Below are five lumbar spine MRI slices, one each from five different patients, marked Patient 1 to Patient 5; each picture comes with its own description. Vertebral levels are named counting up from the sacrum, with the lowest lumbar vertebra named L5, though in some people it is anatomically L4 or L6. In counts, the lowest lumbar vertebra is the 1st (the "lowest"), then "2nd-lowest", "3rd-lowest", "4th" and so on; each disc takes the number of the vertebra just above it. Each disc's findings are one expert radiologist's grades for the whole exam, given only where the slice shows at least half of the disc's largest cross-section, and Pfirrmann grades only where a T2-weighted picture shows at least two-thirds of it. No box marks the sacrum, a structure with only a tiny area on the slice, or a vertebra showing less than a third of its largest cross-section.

Patient 1 of 5:
Patient sex: F | T1-weighted sagittal MRI of the lumbar spine 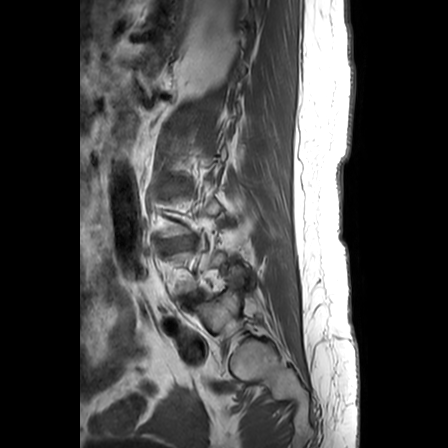

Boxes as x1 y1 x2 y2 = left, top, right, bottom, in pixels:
Structures:
* intervertebral disc L3/L4 (3rd-lowest disc) = 162 238 188 250
* intervertebral disc L4/L5 (2nd-lowest disc) = 186 292 198 299
* L5 (lowest vertebra) = 193 266 242 331

Patient 2 of 5:
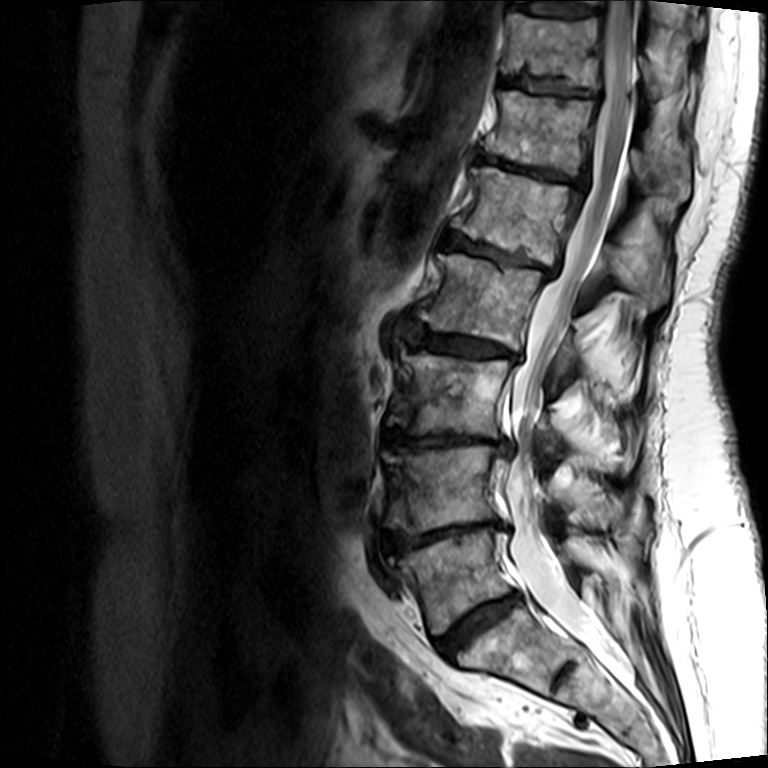 Slice spacing 4.4 mm, Slice 9/15, Image 768x768, T2-weighted sagittal MRI of the lumbar spine
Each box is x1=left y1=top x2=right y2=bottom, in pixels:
3rd-lowest vertebra: x1=387 y1=348 x2=564 y2=458
2nd-lowest disc: x1=385 y1=518 x2=507 y2=552
5th disc: x1=443 y1=232 x2=554 y2=273
3rd-lowest disc: x1=383 y1=427 x2=512 y2=455
7th disc: x1=502 y1=72 x2=594 y2=95
4th vertebra: x1=415 y1=251 x2=582 y2=381
lowest disc: x1=436 y1=592 x2=518 y2=656
6th vertebra: x1=486 y1=88 x2=691 y2=200
6th disc: x1=483 y1=152 x2=578 y2=183
5th vertebra: x1=453 y1=165 x2=669 y2=308
thecal sac / spinal canal: x1=505 y1=0 x2=635 y2=655
lowest vertebra: x1=399 y1=530 x2=590 y2=634
7th vertebra: x1=507 y1=10 x2=681 y2=99
4th disc: x1=398 y1=320 x2=518 y2=360
2nd-lowest vertebra: x1=382 y1=442 x2=619 y2=530

Per-level radiological findings:
• 4th disc: Pfirrmann grade 3, disc narrowing, Modic type II, lower-endplate change, upper-endplate change, disc bulging
• 3rd-lowest disc: Pfirrmann grade 5, Modic type II, disc narrowing, lower-endplate change, disc herniation, upper-endplate change
• 2nd-lowest disc: Pfirrmann grade 5, Modic type II, disc narrowing, upper-endplate change, lower-endplate change, disc herniation
• 7th disc: Pfirrmann grade 3, disc narrowing, Modic type II, upper-endplate change, lower-endplate change
• 6th disc: Pfirrmann grade 5, Modic type II, disc bulging, upper-endplate change, lower-endplate change, disc narrowing
• 5th disc: Pfirrmann grade 4, lower-endplate change, Modic type II, upper-endplate change, disc bulging, disc narrowing
• lowest disc: Pfirrmann grade 3, disc bulging, Modic type II, lower-endplate change, disc narrowing, upper-endplate change

Patient 3 of 5:
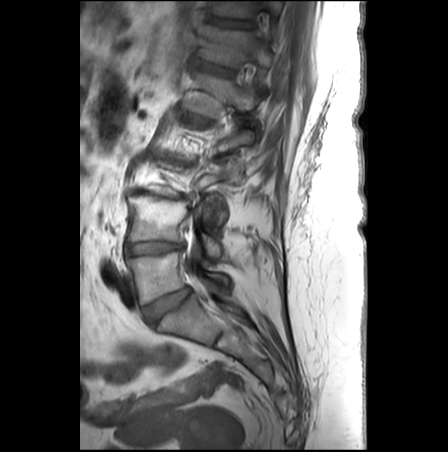 Patient sex: F | Lumbar spine MR, T1-weighted, sagittal

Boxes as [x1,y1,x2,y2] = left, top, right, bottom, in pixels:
L4/L5 at [125,242,182,255], L5/S1 at [143,287,190,325], IVD L1/L2 at [179,108,209,123], T11 at [216,0,281,18], spinal canal at [186,252,201,290], L5 at [126,252,228,304], T12/L1 at [198,61,235,77], T11/T12 at [211,17,253,28], L4 at [128,196,221,255], L1 vertebra at [188,73,257,116], T12 vertebra at [200,24,271,67].

Per-level radiological findings:
• T12/L1: upper-endplate change, lower-endplate change, Modic type II
• T11/T12: upper-endplate change, lower-endplate change
• L4/L5: lower-endplate change, upper-endplate change, disc bulging, Modic type II, disc narrowing
• L5/S1: no herniation, bulging, narrowing, spondylolisthesis, endplate or Modic change recorded

Patient 4 of 5:
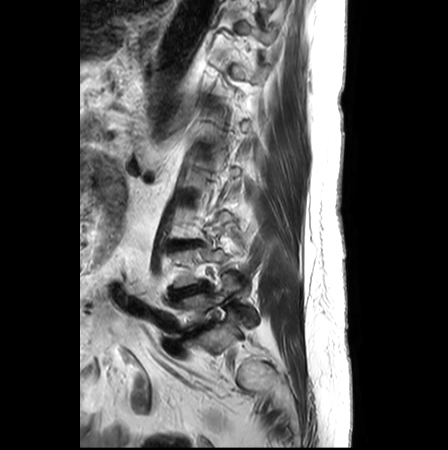
Slice 20/26. Field of view 280x281 mm. Lumbar spine MR, T2-weighted, sagittal.
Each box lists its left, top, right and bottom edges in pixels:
* L5 = left=174, top=274, right=257, bottom=330
* L5/S1 = left=186, top=322, right=212, bottom=336
* L4/L5 = left=170, top=283, right=208, bottom=298

Degenerative findings by level:
  L4/L5: Pfirrmann grade 5, disc narrowing, disc bulging

Patient 5 of 5:
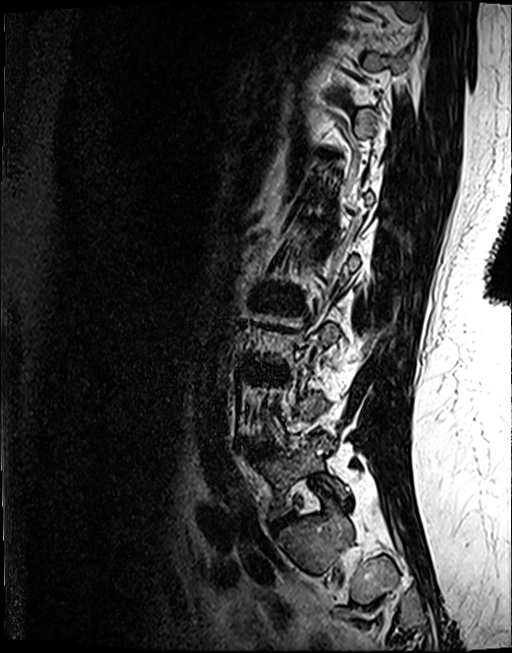 MRI lumbar spine (T2 SPACE (3D)), sagittal plane.

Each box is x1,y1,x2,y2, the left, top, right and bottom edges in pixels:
Annotations:
• lowest vertebra: 256,433,348,519
• lowest disc: 269,512,296,532
• 2nd-lowest disc: 258,444,275,453